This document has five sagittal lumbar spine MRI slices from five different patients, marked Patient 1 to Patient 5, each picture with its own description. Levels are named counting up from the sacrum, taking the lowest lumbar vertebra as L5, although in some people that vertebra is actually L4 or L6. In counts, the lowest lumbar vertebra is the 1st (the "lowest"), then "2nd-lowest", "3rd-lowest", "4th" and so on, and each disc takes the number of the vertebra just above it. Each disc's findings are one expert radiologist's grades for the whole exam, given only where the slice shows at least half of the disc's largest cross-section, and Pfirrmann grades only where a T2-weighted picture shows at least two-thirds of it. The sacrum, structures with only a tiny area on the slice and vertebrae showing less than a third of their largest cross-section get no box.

Patient 1 of 5:
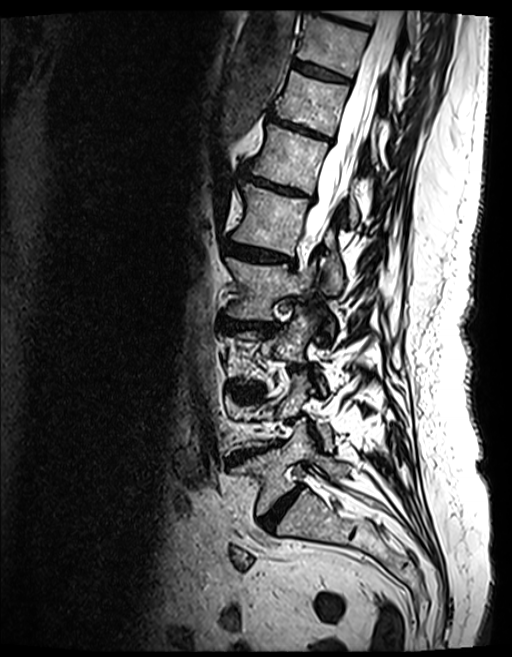

512x657 px | Slice 58 of 154 | Sagittal T2 SPACE (3D) lumbar spine MRI
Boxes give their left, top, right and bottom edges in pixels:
Segmented structures:
- L2/L3 — left=221, top=316, right=275, bottom=334
- T10 vertebra — left=297, top=15, right=396, bottom=96
- T9 — left=327, top=9, right=414, bottom=39
- L5 — left=234, top=421, right=348, bottom=514
- T12 vertebra — left=249, top=125, right=358, bottom=227
- IVD T9/T10 — left=308, top=0, right=366, bottom=29
- T10/T11 — left=293, top=60, right=348, bottom=82
- IVD L4/L5 — left=230, top=443, right=279, bottom=463
- L1/L2 — left=228, top=243, right=287, bottom=261
- T11 vertebra — left=275, top=72, right=377, bottom=162
- L1 vertebra — left=235, top=182, right=343, bottom=292
- L5/S1 — left=262, top=487, right=301, bottom=530
- IVD T11/T12 — left=269, top=115, right=331, bottom=141
- L2 vertebra — left=226, top=257, right=316, bottom=320
- thecal sac / spinal canal — left=304, top=10, right=400, bottom=246
- IVD T12/L1 — left=242, top=171, right=307, bottom=197

Expert MSK radiologist gradings (per disc):
• T11/T12: Pfirrmann grade 5, disc bulging, lower-endplate change, disc narrowing, Modic type II, upper-endplate change
• T10/T11: Pfirrmann grade 4, Modic type II, lower-endplate change, upper-endplate change
• T12/L1: Pfirrmann grade 4, Modic type II, disc bulging, lower-endplate change, upper-endplate change, disc narrowing
• L1/L2: Pfirrmann grade 4, Modic type II, disc bulging, disc narrowing, upper-endplate change, lower-endplate change
• L5/S1: disc narrowing, disc bulging
• T9/T10: Pfirrmann grade 4, upper-endplate change, disc bulging, Modic type II, lower-endplate change
• L2/L3: Pfirrmann grade 4, Modic type II, disc bulging, disc narrowing, lower-endplate change, upper-endplate change

Patient 2 of 5:
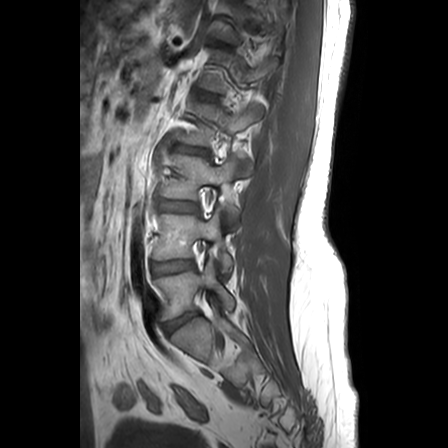
Sagittal slice index 17; T1-weighted sagittal MRI of the lumbar spine; Image 448x448; Sex M

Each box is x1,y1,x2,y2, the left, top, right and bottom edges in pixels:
Lowest disc at 165,313,198,332; 3rd-lowest disc at 160,199,197,211; 4th vertebra at 174,104,262,173; 4th disc at 176,146,207,155; 2nd-lowest vertebra at 152,209,233,272; 3rd-lowest vertebra at 163,155,240,217; lowest vertebra at 155,259,234,320; 2nd-lowest disc at 152,260,193,274.

Expert MSK radiologist gradings (per disc):
• 3rd-lowest disc: upper-endplate change
• 4th disc: lower-endplate change, upper-endplate change, disc bulging, disc narrowing
• 2nd-lowest disc: lower-endplate change

Patient 3 of 5:
MRI lumbar spine (T2 SPACE (3D)), sagittal plane | Slice 40/120 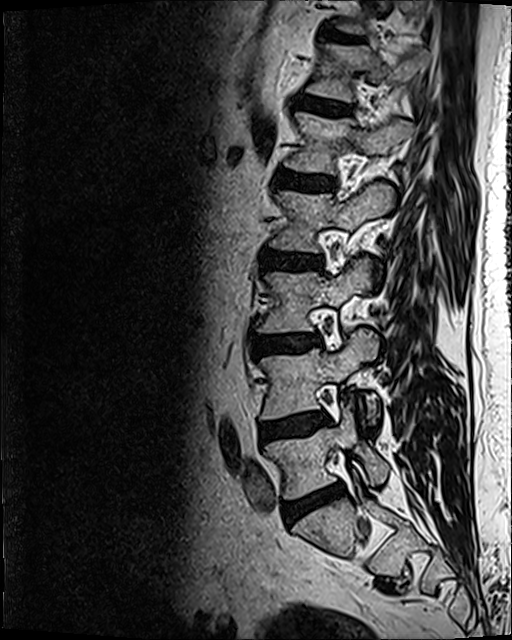 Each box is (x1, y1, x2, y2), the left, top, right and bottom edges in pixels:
L1 at (284, 111, 411, 174), intervertebral disc L1/L2 at (273, 169, 335, 191), T12 vertebra at (307, 44, 428, 101), L4 at (260, 328, 378, 421), intervertebral disc L4/L5 at (260, 412, 328, 442), L5/S1 at (283, 485, 344, 521), intervertebral disc T12/L1 at (295, 97, 349, 114), intervertebral disc T11/T12 at (327, 31, 365, 43), L2 vertebra at (270, 182, 392, 252), L3 vertebra at (256, 258, 370, 333), L5 at (265, 401, 389, 498), intervertebral disc L2/L3 at (262, 252, 319, 267), intervertebral disc L3/L4 at (251, 335, 316, 354).

Expert MSK radiologist gradings (per disc):
• L1/L2: Pfirrmann grade 3, disc bulging
• L3/L4: Pfirrmann grade 2, Modic type II, disc bulging
• L5/S1: disc bulging, Modic type II, disc narrowing
• T12/L1: Pfirrmann grade 2
• L4/L5: Pfirrmann grade 2, disc bulging, Modic type II
• L2/L3: disc bulging

Patient 4 of 5:
Lumbar spine MR, T1-weighted, sagittal, Scanner: SIEMENS Aera (1.5T) 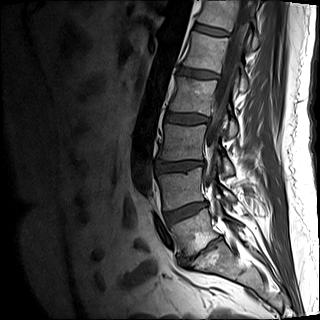

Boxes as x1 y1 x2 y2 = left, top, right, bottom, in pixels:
2nd-lowest vertebra at 158 167 235 209.
4th vertebra at 169 76 237 136.
4th disc at 165 112 208 124.
Thecal sac / spinal canal at 206 0 252 215.
Lowest vertebra at 171 201 243 255.
5th disc at 179 67 218 79.
3rd-lowest disc at 157 161 205 172.
Lowest disc at 185 237 221 262.
5th vertebra at 183 32 247 91.
6th vertebra at 197 0 259 48.
6th disc at 193 23 229 36.
3rd-lowest vertebra at 158 123 233 174.
2nd-lowest disc at 165 201 207 223.

Expert MSK radiologist gradings (per disc):
- 2nd-lowest disc: disc bulging, lower-endplate change, disc narrowing
- 5th disc: upper-endplate change
- 3rd-lowest disc: disc bulging
- lowest disc: Modic type II, disc bulging, disc narrowing, lower-endplate change, upper-endplate change
- 4th disc, 6th disc: no Modic or endplate change, herniation, narrowing, bulging or spondylolisthesis recorded

Patient 5 of 5:
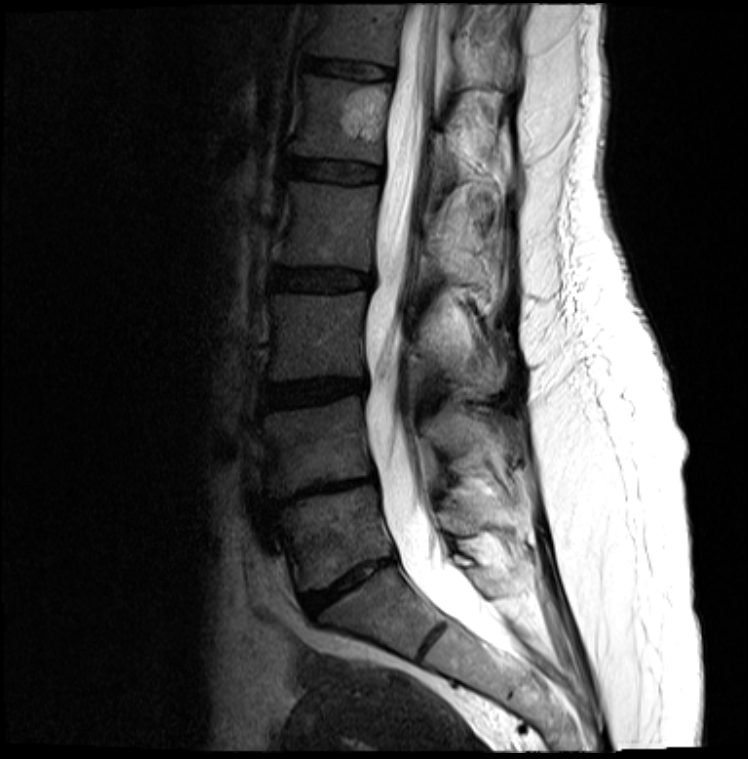 T2-weighted sagittal MRI of the lumbar spine, Patient sex: F, Slice 8/19
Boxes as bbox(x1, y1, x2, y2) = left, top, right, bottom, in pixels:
* thecal sac / spinal canal: bbox(364, 4, 502, 642)
* T12: bbox(312, 4, 512, 84)
* L2/L3: bbox(271, 266, 371, 290)
* disc L5/S1: bbox(304, 559, 391, 613)
* L3: bbox(271, 291, 437, 378)
* L4 vertebra: bbox(263, 396, 517, 494)
* L1: bbox(294, 75, 457, 190)
* L3/L4: bbox(263, 379, 363, 408)
* disc T12/L1: bbox(308, 57, 391, 79)
* L4/L5: bbox(281, 477, 373, 503)
* L5 vertebra: bbox(281, 486, 480, 589)
* disc L1/L2: bbox(288, 158, 381, 182)
* L2: bbox(281, 182, 455, 281)

Expert MSK radiologist gradings (per disc):
  T12/L1: Pfirrmann grade 3
  L2/L3: Pfirrmann grade 3, disc bulging
  L1/L2: Pfirrmann grade 3
  L3/L4: Pfirrmann grade 4, disc bulging
  L5/S1: Pfirrmann grade 5, lower-endplate change, disc narrowing, disc bulging, upper-endplate change
  L4/L5: Pfirrmann grade 5, disc bulging, lower-endplate change, disc narrowing, upper-endplate change